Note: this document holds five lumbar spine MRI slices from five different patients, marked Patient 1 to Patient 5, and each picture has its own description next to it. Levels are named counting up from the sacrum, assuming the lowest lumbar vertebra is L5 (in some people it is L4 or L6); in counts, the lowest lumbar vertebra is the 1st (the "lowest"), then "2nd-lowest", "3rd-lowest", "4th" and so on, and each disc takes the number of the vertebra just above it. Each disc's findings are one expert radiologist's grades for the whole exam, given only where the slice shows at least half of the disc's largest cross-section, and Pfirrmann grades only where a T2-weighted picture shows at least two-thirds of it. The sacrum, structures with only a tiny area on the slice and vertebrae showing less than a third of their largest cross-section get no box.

Patient 1 of 5:
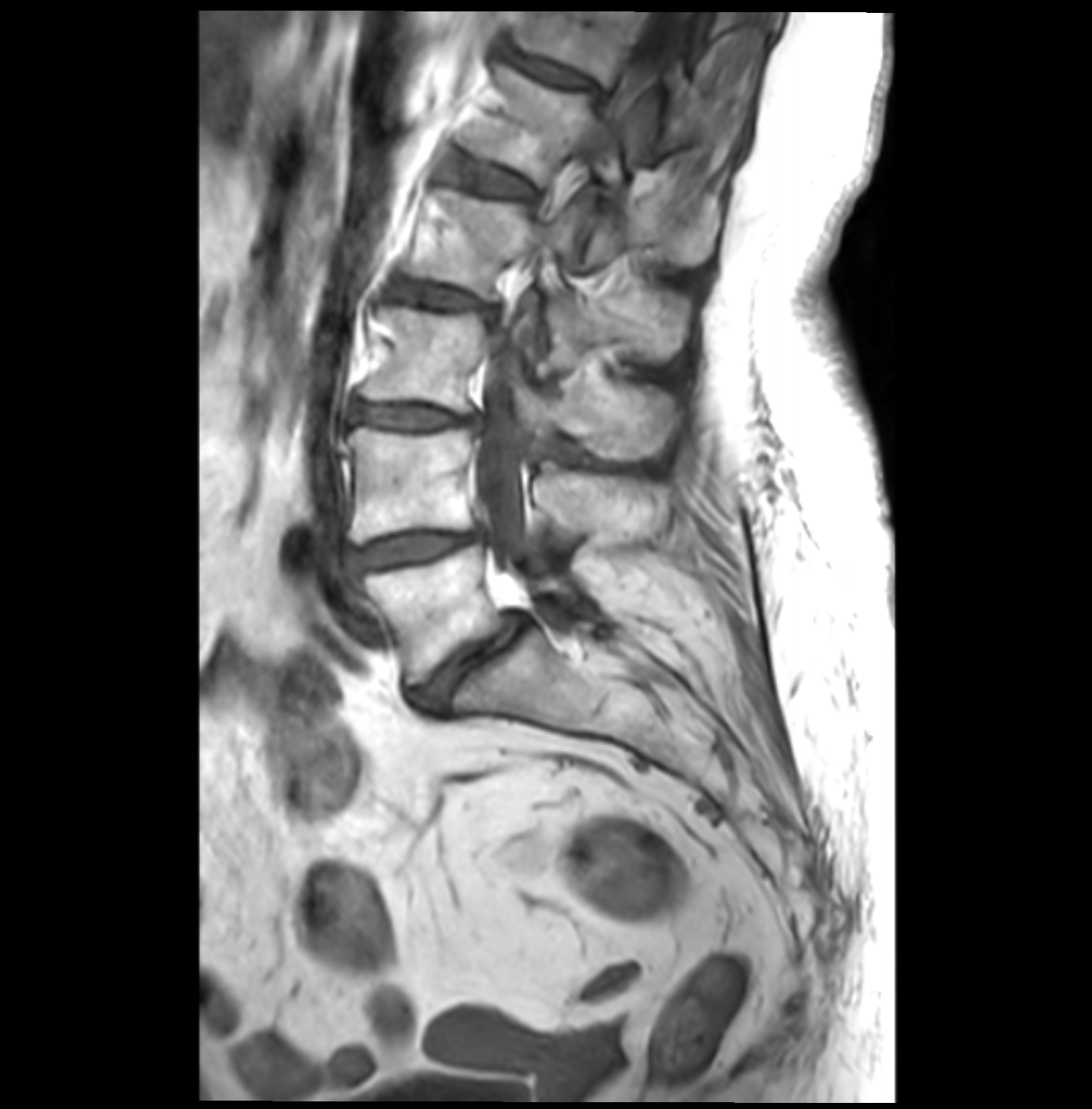
Slice spacing 3.4 mm, T1-weighted sagittal MRI of the lumbar spine

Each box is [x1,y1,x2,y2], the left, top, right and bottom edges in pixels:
L5 (lowest vertebra) at [364,546,602,683], L4 (2nd-lowest vertebra) at [348,427,666,540], L3/L4 (3rd-lowest disc) at [350,404,479,433], L1/L2 (5th disc) at [446,154,532,200], T12 (6th vertebra) at [515,10,738,151], L5/S1 (lowest disc) at [413,613,528,708], spinal canal at [476,12,677,570], L2 (4th vertebra) at [405,191,689,373], L1 (5th vertebra) at [462,65,719,268], disc L4/L5 (2nd-lowest disc) at [344,530,481,576], disc L2/L3 (4th disc) at [386,279,497,323], disc T12/L1 (6th disc) at [510,54,602,95], L3 (3rd-lowest vertebra) at [364,307,675,460].

Expert MSK radiologist gradings (per disc):
  T12/L1 (6th disc): disc bulging
  L3/L4 (3rd-lowest disc): disc bulging, disc narrowing, Modic type II
  L1/L2 (5th disc): Modic type II
  L5/S1 (lowest disc): spondylolisthesis, disc narrowing, Modic type II, disc bulging
  L2/L3 (4th disc): disc bulging, Modic type II
  L4/L5 (2nd-lowest disc): Modic type II, disc narrowing, disc bulging

Patient 2 of 5:
T2-weighted sagittal MRI of the lumbar spine
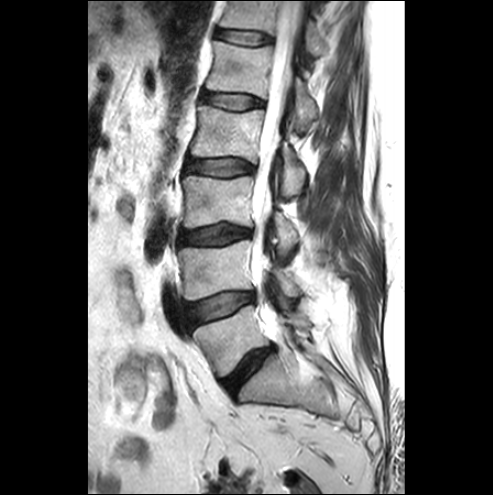

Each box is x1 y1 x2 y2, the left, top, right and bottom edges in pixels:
{"lowest disc": "221 347 272 394", "lowest vertebra": "194 305 310 376", "3rd-lowest vertebra": "183 176 298 257", "5th vertebra": "207 41 318 130", "3rd-lowest disc": "180 226 251 244", "4th vertebra": "190 105 305 197", "5th disc": "201 92 263 109", "6th disc": "216 29 272 44", "2nd-lowest vertebra": "178 240 300 300", "2nd-lowest disc": "188 292 253 328", "4th disc": "186 159 254 176", "6th vertebra": "219 1 327 56", "thecal sac / spinal canal": "253 1 304 256"}

Per-level radiological findings:
- 2nd-lowest disc: Pfirrmann grade 1, disc bulging, Modic type III
- 6th disc: Pfirrmann grade 1
- 4th disc: Pfirrmann grade 1
- 5th disc: Pfirrmann grade 1
- lowest disc: Pfirrmann grade 4, disc narrowing, disc bulging
- 3rd-lowest disc: Pfirrmann grade 3, disc bulging

Patient 3 of 5:
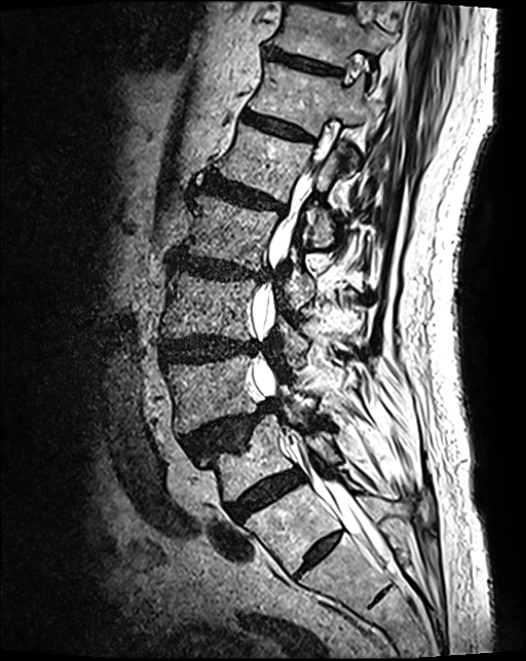 T2 SPACE (3D) sagittal MRI of the lumbar spine | Patient sex: M

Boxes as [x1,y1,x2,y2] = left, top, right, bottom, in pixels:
spinal canal at [253,168,388,562] | IVD T11/T12 at [267,49,339,75] | L4 at [165,356,313,433] | L2/L3 at [171,253,269,283] | L3 at [162,272,316,364] | T12 vertebra at [250,62,367,170] | L5 vertebra at [201,416,339,501] | L2 vertebra at [183,195,316,311] | T12/L1 at [243,112,309,141] | IVD L4/L5 at [183,403,273,457] | IVD L5/S1 at [228,471,303,520] | L3/L4 at [160,337,257,363] | T11 vertebra at [275,6,392,76] | L1 vertebra at [220,125,348,246] | IVD L1/L2 at [203,176,284,212]

Expert MSK radiologist gradings (per disc):
- L1/L2: Pfirrmann grade 4, lower-endplate change, upper-endplate change, disc bulging
- L4/L5: Pfirrmann grade 4, disc herniation, spondylolisthesis, upper-endplate change
- L2/L3: Pfirrmann grade 4, lower-endplate change, upper-endplate change, disc bulging, disc narrowing
- L5/S1: Pfirrmann grade 4
- T11/T12: Pfirrmann grade 3, lower-endplate change
- L3/L4: Pfirrmann grade 4, disc bulging
- T12/L1: Pfirrmann grade 3

Patient 4 of 5:
MRI lumbar spine (T1-weighted), sagittal plane. 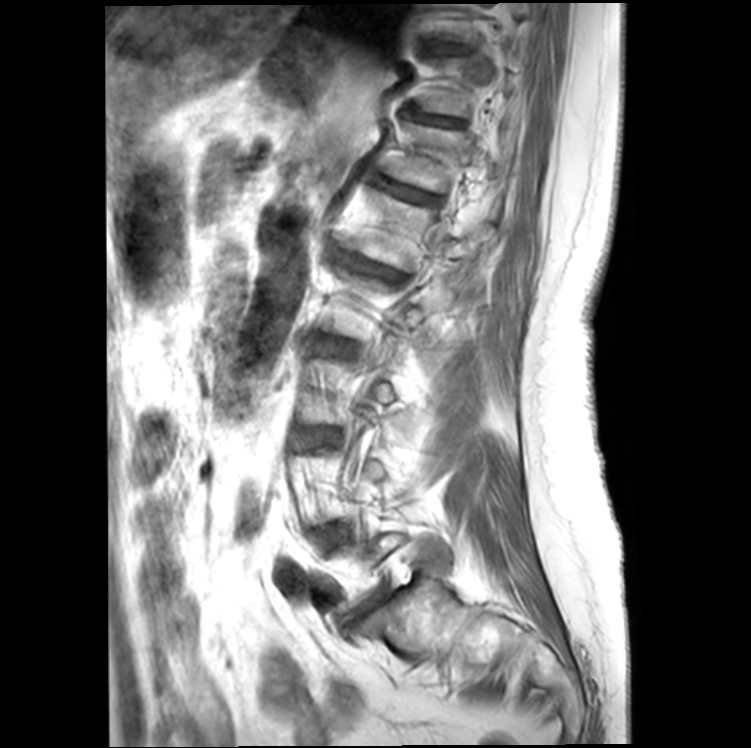
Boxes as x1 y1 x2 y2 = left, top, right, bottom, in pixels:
L1 (5th vertebra) at 346 189 437 271.
Disc T10/T11 (8th disc) at 437 45 467 53.
L5/S1 (lowest disc) at 351 591 386 622.
T11 (7th vertebra) at 418 58 489 117.
Disc L3/L4 (3rd-lowest disc) at 304 430 331 442.
L1/L2 (5th disc) at 345 257 404 281.
L2/L3 (4th disc) at 317 340 350 353.
T12 (6th vertebra) at 384 120 493 192.
Disc L4/L5 (2nd-lowest disc) at 317 524 345 547.
T11/T12 (7th disc) at 406 109 459 125.
T12/L1 (6th disc) at 371 176 439 204.

Degenerative findings by level:
• T12/L1 (6th disc): Modic type II, lower-endplate change, disc narrowing, upper-endplate change
• T11/T12 (7th disc): upper-endplate change, lower-endplate change, disc narrowing, Modic type II
• L1/L2 (5th disc): Modic type II, spondylolisthesis, disc bulging, upper-endplate change, disc narrowing, lower-endplate change

Patient 5 of 5:
Image 512x640 | Lumbar spine MR, T2 SPACE (3D), sagittal 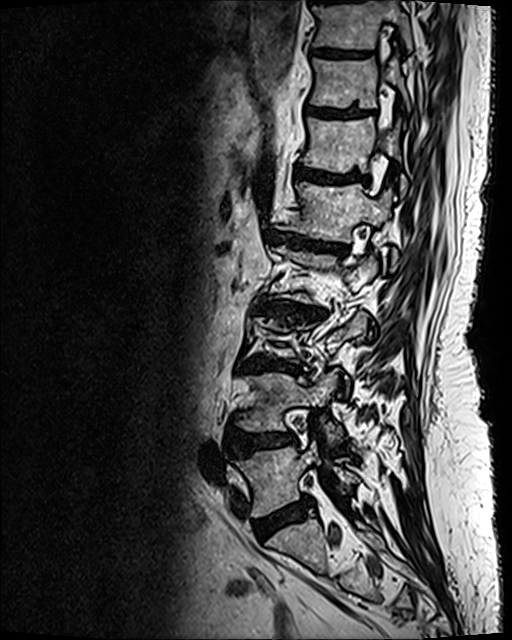 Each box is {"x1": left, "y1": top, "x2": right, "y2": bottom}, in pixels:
L1 vertebra at {"x1": 289, "y1": 182, "x2": 397, "y2": 265}, T10/T11 at {"x1": 313, "y1": 49, "x2": 361, "y2": 56}, IVD L3/L4 at {"x1": 241, "y1": 357, "x2": 299, "y2": 370}, IVD L1/L2 at {"x1": 267, "y1": 230, "x2": 347, "y2": 254}, L5 at {"x1": 236, "y1": 441, "x2": 358, "y2": 516}, IVD T11/T12 at {"x1": 306, "y1": 105, "x2": 373, "y2": 118}, T12 vertebra at {"x1": 302, "y1": 117, "x2": 406, "y2": 197}, L4 at {"x1": 235, "y1": 369, "x2": 342, "y2": 444}, IVD L5/S1 at {"x1": 255, "y1": 500, "x2": 308, "y2": 539}, IVD L2/L3 at {"x1": 255, "y1": 298, "x2": 324, "y2": 319}, IVD T12/L1 at {"x1": 296, "y1": 167, "x2": 368, "y2": 183}, IVD L4/L5 at {"x1": 227, "y1": 432, "x2": 295, "y2": 456}, T11 at {"x1": 310, "y1": 57, "x2": 410, "y2": 110}, T10 at {"x1": 313, "y1": 0, "x2": 411, "y2": 49}.

Per-level radiological findings:
  L4/L5: Pfirrmann grade 4, upper-endplate change, lower-endplate change, disc bulging
  L5/S1: disc bulging
  L1/L2: Pfirrmann grade 5, disc narrowing, upper-endplate change, disc bulging, Modic type II, lower-endplate change
  T11/T12: Pfirrmann grade 4, lower-endplate change, upper-endplate change
  L2/L3: Pfirrmann grade 5, disc narrowing, Modic type II, upper-endplate change, disc bulging, lower-endplate change
  T10/T11: Pfirrmann grade 4, lower-endplate change, upper-endplate change
  T12/L1: Pfirrmann grade 4, lower-endplate change, upper-endplate change, Modic type II